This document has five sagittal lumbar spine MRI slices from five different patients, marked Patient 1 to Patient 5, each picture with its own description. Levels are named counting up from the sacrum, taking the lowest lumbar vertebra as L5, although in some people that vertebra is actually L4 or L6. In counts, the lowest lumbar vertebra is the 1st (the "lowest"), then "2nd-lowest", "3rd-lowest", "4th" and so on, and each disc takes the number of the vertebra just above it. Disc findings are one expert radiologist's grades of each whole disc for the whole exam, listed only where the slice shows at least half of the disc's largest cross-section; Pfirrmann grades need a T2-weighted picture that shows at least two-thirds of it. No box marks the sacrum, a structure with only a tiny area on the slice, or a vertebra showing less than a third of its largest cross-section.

Patient 1 of 5:
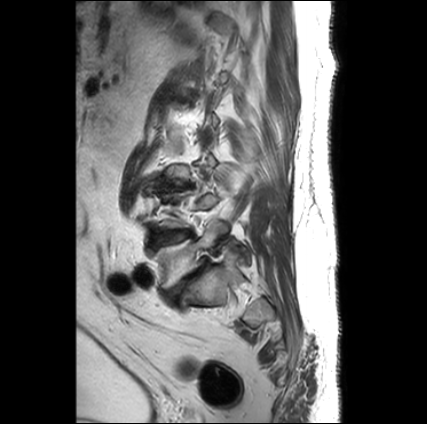 Sagittal T2-weighted lumbar spine MRI
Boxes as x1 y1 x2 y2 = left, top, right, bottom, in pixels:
{"lowest vertebra": "153 221 226 290", "lowest disc": "164 262 206 302", "2nd-lowest disc": "152 229 191 245"}

Radiological gradings:
- 2nd-lowest disc: Modic type II
- lowest disc: disc narrowing, Modic type II, lower-endplate change, disc bulging, upper-endplate change, spondylolisthesis

Patient 2 of 5:
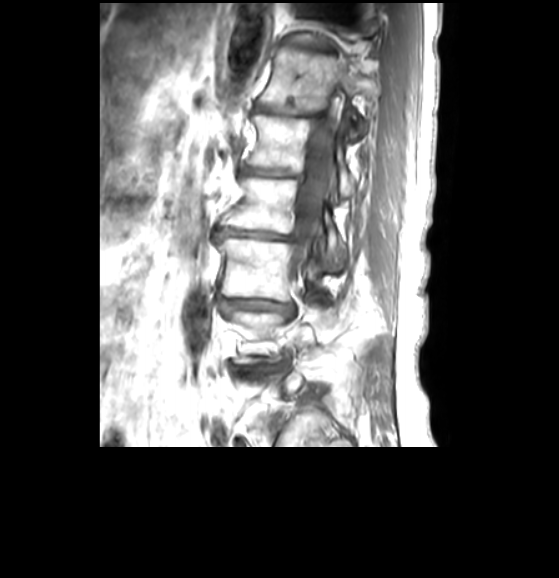
Patient sex: F; MRI lumbar spine (T1-weighted), sagittal plane

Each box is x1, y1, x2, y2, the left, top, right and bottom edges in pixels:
Annotations:
- T12/L1 — 256, 105, 316, 117
- L2 — 221, 177, 344, 269
- thecal sac / spinal canal — 288, 101, 341, 277
- L3/L4 — 220, 296, 292, 313
- L1 vertebra — 247, 114, 354, 194
- IVD L1/L2 — 240, 165, 299, 178
- T12 — 260, 49, 371, 137
- L4/L5 — 237, 363, 284, 376
- T11/T12 — 290, 42, 330, 52
- L3 — 218, 237, 319, 300
- IVD L2/L3 — 216, 227, 292, 241

Per-level radiological findings:
- L3/L4: disc bulging, disc narrowing
- L2/L3: disc narrowing, disc bulging
- T11/T12: disc narrowing

Patient 3 of 5:
Sagittal slice index 8 | Image 1092x1095 | Sagittal T2-weighted lumbar spine MRI | Field of view 342x343 mm | Scanner: Philips Medical Systems Ingenia (3T)
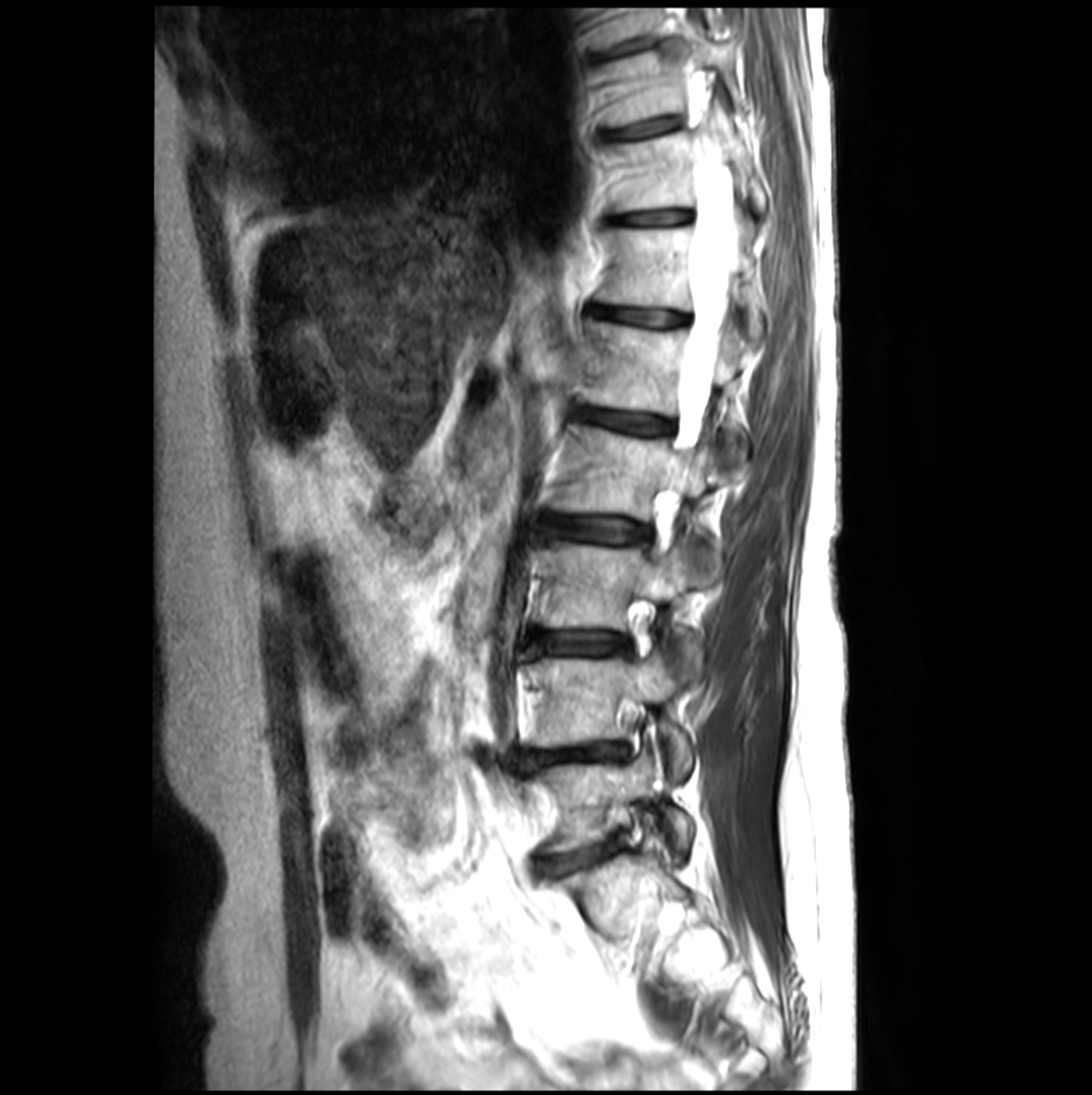

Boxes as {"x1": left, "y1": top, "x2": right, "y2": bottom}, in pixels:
2nd-lowest disc: {"x1": 527, "y1": 745, "x2": 624, "y2": 764}
4th vertebra: {"x1": 553, "y1": 426, "x2": 716, "y2": 520}
lowest vertebra: {"x1": 540, "y1": 749, "x2": 691, "y2": 851}
8th vertebra: {"x1": 602, "y1": 33, "x2": 740, "y2": 126}
lowest disc: {"x1": 536, "y1": 840, "x2": 616, "y2": 873}
6th disc: {"x1": 596, "y1": 308, "x2": 681, "y2": 326}
2nd-lowest vertebra: {"x1": 531, "y1": 652, "x2": 691, "y2": 776}
3rd-lowest disc: {"x1": 533, "y1": 632, "x2": 626, "y2": 655}
4th disc: {"x1": 546, "y1": 517, "x2": 647, "y2": 544}
7th disc: {"x1": 611, "y1": 210, "x2": 689, "y2": 225}
7th vertebra: {"x1": 609, "y1": 97, "x2": 764, "y2": 211}
6th vertebra: {"x1": 598, "y1": 228, "x2": 762, "y2": 337}
5th disc: {"x1": 575, "y1": 407, "x2": 670, "y2": 434}
3rd-lowest vertebra: {"x1": 541, "y1": 543, "x2": 701, "y2": 670}
thecal sac / spinal canal: {"x1": 673, "y1": 115, "x2": 735, "y2": 448}
8th disc: {"x1": 603, "y1": 115, "x2": 681, "y2": 141}
5th vertebra: {"x1": 582, "y1": 321, "x2": 741, "y2": 448}

Degenerative findings by level:
• lowest disc: disc bulging, disc narrowing
• 4th disc: Pfirrmann grade 3, upper-endplate change, lower-endplate change
• 8th disc: Pfirrmann grade 3, lower-endplate change, upper-endplate change
• 2nd-lowest disc: disc herniation, upper-endplate change, disc bulging, lower-endplate change, disc narrowing
• 7th disc: Pfirrmann grade 3, lower-endplate change, upper-endplate change
• 5th disc: Pfirrmann grade 3, upper-endplate change, lower-endplate change
• 6th disc: Pfirrmann grade 3
• 3rd-lowest disc: Pfirrmann grade 3, upper-endplate change, lower-endplate change

Patient 4 of 5:
Scanner: SIEMENS Avanto_fit (1.5T) | Sagittal slice index 88 | Sagittal T2 SPACE (3D) lumbar spine MRI 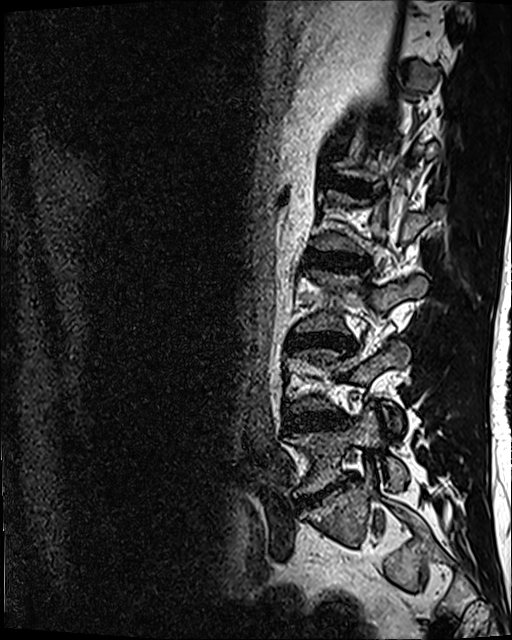
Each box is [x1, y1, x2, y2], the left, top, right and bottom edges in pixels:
2nd-lowest disc: [286, 412, 344, 429]
5th disc: [333, 177, 376, 195]
lowest vertebra: [285, 405, 407, 496]
lowest disc: [300, 473, 357, 505]
4th disc: [304, 251, 367, 271]
3rd-lowest disc: [290, 333, 351, 348]
3rd-lowest vertebra: [296, 270, 427, 332]

Degenerative findings by level:
• 2nd-lowest disc: disc bulging, disc narrowing
• 3rd-lowest disc: Pfirrmann grade 4, disc narrowing, disc bulging, lower-endplate change
• 4th disc: Pfirrmann grade 3, disc bulging

Patient 5 of 5:
MRI lumbar spine (T2-weighted), sagittal plane.

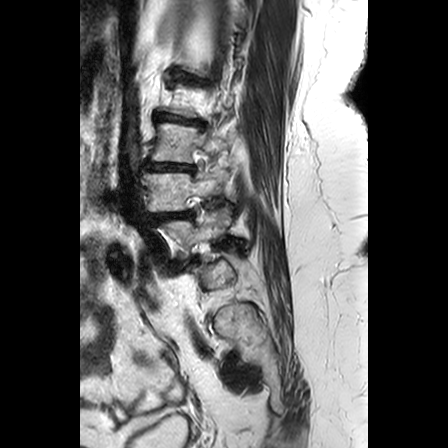 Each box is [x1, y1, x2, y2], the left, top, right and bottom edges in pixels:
4th disc: [160, 115, 199, 124]
2nd-lowest disc: [156, 212, 191, 222]
3rd-lowest vertebra: [152, 123, 227, 163]
2nd-lowest vertebra: [144, 172, 228, 212]
3rd-lowest disc: [147, 163, 193, 172]
lowest vertebra: [162, 211, 230, 256]

Radiological gradings:
• 3rd-lowest disc: Pfirrmann grade 3, disc bulging, disc narrowing, lower-endplate change, Modic type II, upper-endplate change